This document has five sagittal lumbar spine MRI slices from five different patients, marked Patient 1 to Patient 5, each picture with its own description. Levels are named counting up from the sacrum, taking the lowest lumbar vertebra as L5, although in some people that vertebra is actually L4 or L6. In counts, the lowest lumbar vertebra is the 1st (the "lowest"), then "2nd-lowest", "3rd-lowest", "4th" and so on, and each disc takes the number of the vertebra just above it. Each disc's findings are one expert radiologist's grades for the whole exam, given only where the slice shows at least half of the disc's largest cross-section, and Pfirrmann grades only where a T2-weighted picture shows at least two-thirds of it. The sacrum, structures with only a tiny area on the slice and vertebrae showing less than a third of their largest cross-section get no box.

Patient 1 of 5:
Sex F. MRI lumbar spine (T1-weighted), sagittal plane. Image 1092x1117.
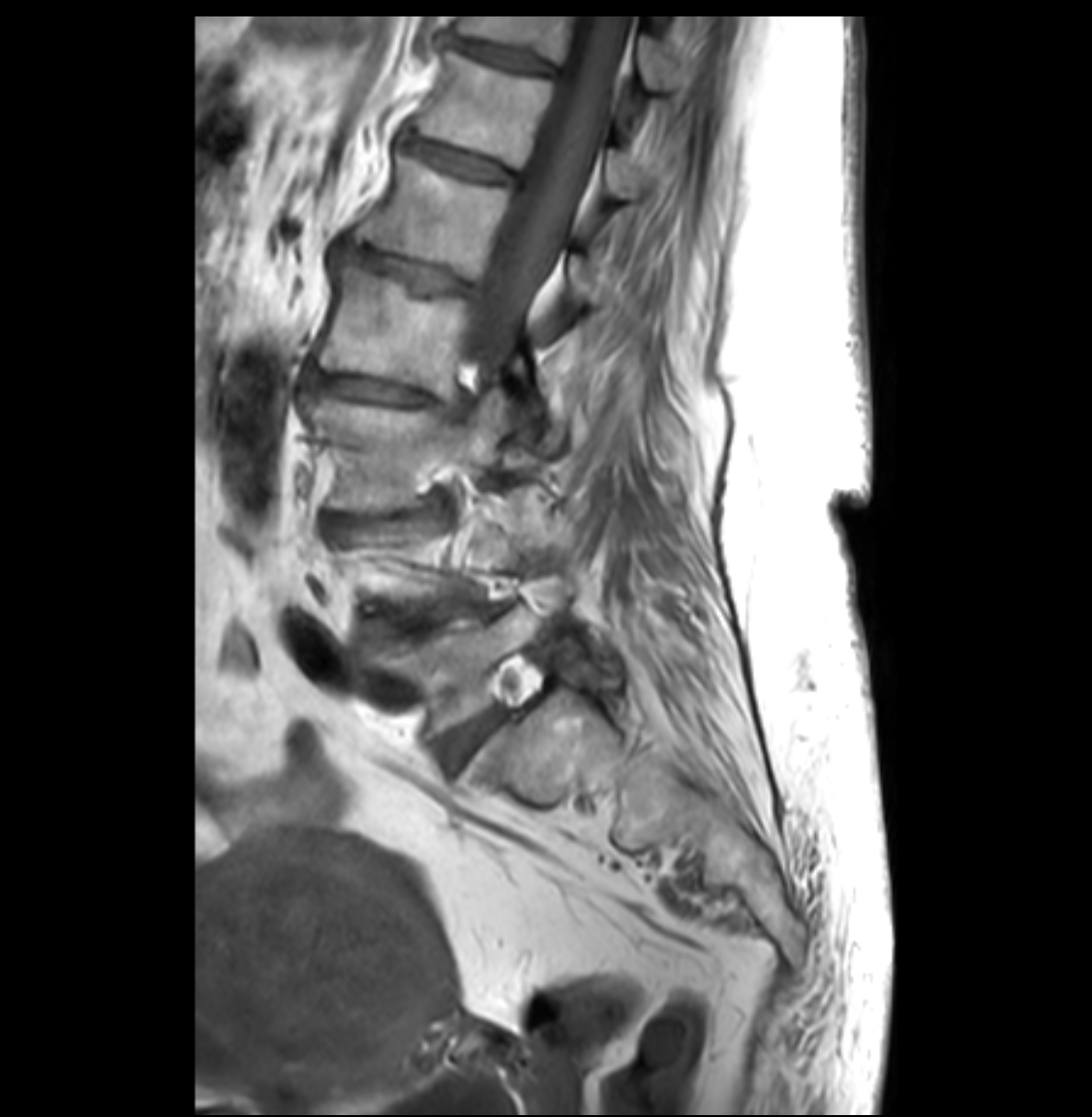

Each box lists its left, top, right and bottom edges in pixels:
T11/T12 at left=453, top=40, right=553, bottom=73; T12/L1 at left=403, top=136, right=513, bottom=182; IVD L2/L3 at left=307, top=375, right=447, bottom=408; IVD L4/L5 at left=382, top=600, right=465, bottom=635; IVD L3/L4 at left=329, top=501, right=445, bottom=528; L2 at left=317, top=265, right=523, bottom=398; T12 at left=412, top=49, right=638, bottom=198; L5 at left=382, top=602, right=543, bottom=735; L3 vertebra at left=305, top=391, right=513, bottom=510; thecal sac / spinal canal at left=473, top=16, right=628, bottom=360; L1 at left=353, top=155, right=596, bottom=304; L1/L2 at left=344, top=246, right=477, bottom=294; T11 vertebra at left=458, top=15, right=680, bottom=91; L5/S1 at left=441, top=713, right=501, bottom=766.

Per-level radiological findings:
- T12/L1: disc narrowing, disc bulging
- L2/L3: lower-endplate change, disc bulging, disc narrowing, upper-endplate change
- T11/T12: disc narrowing
- L1/L2: upper-endplate change, disc bulging, lower-endplate change, disc narrowing

Patient 2 of 5:
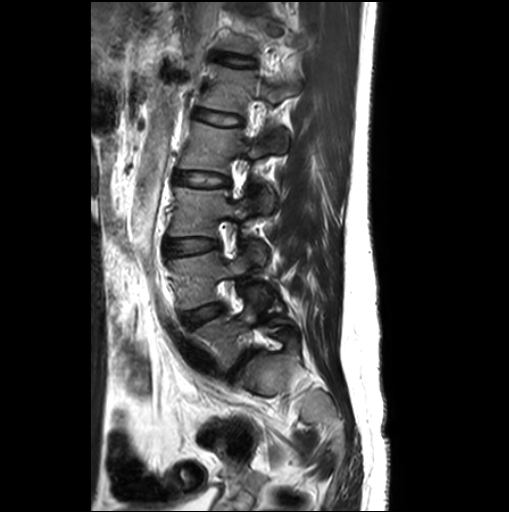 Image 509x512 | Lumbar spine MR, T2-weighted, sagittal | Slice 18/26

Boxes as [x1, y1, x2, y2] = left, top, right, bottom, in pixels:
IVD L3/L4: [163, 238, 218, 259]
IVD L2/L3: [174, 171, 229, 186]
L5/S1: [226, 350, 251, 381]
T12 vertebra: [222, 16, 292, 55]
L4 vertebra: [168, 243, 266, 309]
IVD T12/L1: [215, 53, 255, 66]
L1/L2: [194, 109, 241, 125]
L5 vertebra: [192, 287, 297, 370]
L4/L5: [181, 303, 223, 327]
L2: [179, 122, 274, 212]
L1: [200, 64, 298, 153]
L3: [168, 187, 248, 236]

Expert MSK radiologist gradings (per disc):
• L2/L3: Pfirrmann grade 1
• T12/L1: Pfirrmann grade 1
• L4/L5: disc bulging
• L3/L4: Pfirrmann grade 1, disc bulging
• L1/L2: Pfirrmann grade 1

Patient 3 of 5:
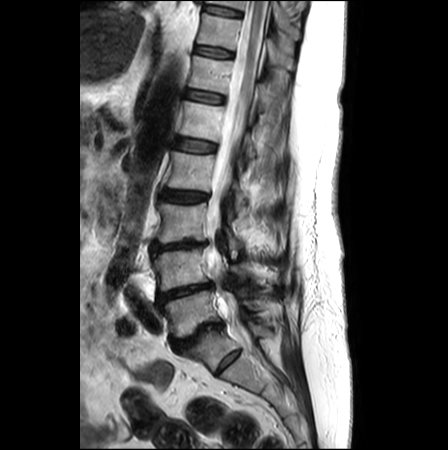

448x450 px | Sagittal slice index 14 | Sagittal T2-weighted lumbar spine MRI | Field of view 280x281 mm

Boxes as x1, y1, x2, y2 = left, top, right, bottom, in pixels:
Structures:
* 7th vertebra: 197, 12, 294, 69
* 2nd-lowest disc: 157, 281, 212, 304
* 2nd-lowest vertebra: 152, 248, 258, 291
* 3rd-lowest vertebra: 158, 203, 243, 257
* 5th vertebra: 179, 100, 255, 157
* 4th vertebra: 168, 151, 248, 215
* 6th disc: 186, 90, 224, 103
* 8th disc: 204, 4, 240, 15
* lowest vertebra: 161, 290, 282, 336
* lowest disc: 171, 323, 223, 351
* 5th disc: 175, 138, 215, 152
* 4th disc: 161, 190, 207, 202
* 7th disc: 194, 45, 232, 57
* 8th vertebra: 207, 0, 299, 38
* 6th vertebra: 189, 56, 269, 108
* 3rd-lowest disc: 149, 241, 207, 250
* spinal canal: 207, 0, 267, 348

Per-level radiological findings:
- 6th disc: Pfirrmann grade 2
- 3rd-lowest disc: Pfirrmann grade 4, disc bulging, upper-endplate change, disc narrowing, lower-endplate change
- 5th disc: Pfirrmann grade 2
- 2nd-lowest disc: Pfirrmann grade 5, disc narrowing, disc bulging
- 8th disc: Pfirrmann grade 1
- 7th disc: Pfirrmann grade 1
- lowest disc: Pfirrmann grade 5, disc narrowing, upper-endplate change, disc bulging, Modic type II, lower-endplate change
- 4th disc: Pfirrmann grade 3, disc bulging

Patient 4 of 5:
Slice 46/120, Image 512x640, Lumbar spine MR, T2 SPACE (3D), sagittal
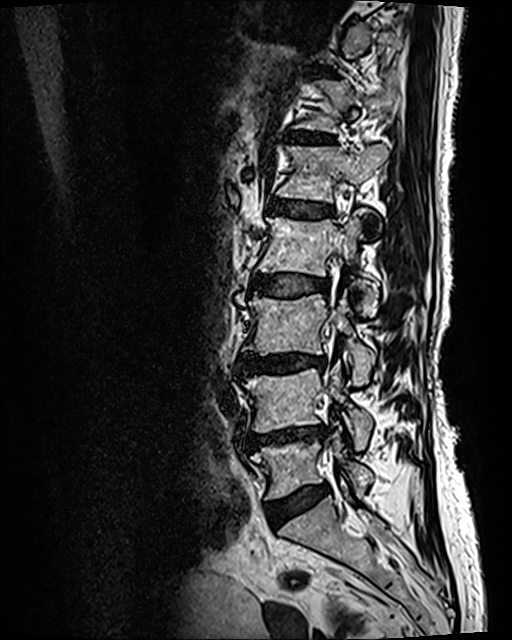 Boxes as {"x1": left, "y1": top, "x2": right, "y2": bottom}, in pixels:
Segmented structures:
- L1/L2 (5th disc): {"x1": 269, "y1": 199, "x2": 331, "y2": 218}
- L2/L3 (4th disc): {"x1": 253, "y1": 274, "x2": 329, "y2": 296}
- IVD L4/L5 (2nd-lowest disc): {"x1": 241, "y1": 424, "x2": 328, "y2": 451}
- L3 (3rd-lowest vertebra): {"x1": 242, "y1": 291, "x2": 375, "y2": 386}
- L1 (5th vertebra): {"x1": 276, "y1": 144, "x2": 389, "y2": 202}
- L3/L4 (3rd-lowest disc): {"x1": 237, "y1": 353, "x2": 326, "y2": 373}
- L2 (4th vertebra): {"x1": 257, "y1": 215, "x2": 378, "y2": 313}
- L5 (lowest vertebra): {"x1": 251, "y1": 427, "x2": 374, "y2": 499}
- IVD T12/L1 (6th disc): {"x1": 288, "y1": 131, "x2": 333, "y2": 143}
- L4 (2nd-lowest vertebra): {"x1": 241, "y1": 361, "x2": 372, "y2": 450}
- IVD L5/S1 (lowest disc): {"x1": 267, "y1": 485, "x2": 328, "y2": 526}
- T12 (6th vertebra): {"x1": 293, "y1": 80, "x2": 396, "y2": 133}

Expert MSK radiologist gradings (per disc):
- L1/L2 (5th disc): Pfirrmann grade 3, Modic type II, upper-endplate change, lower-endplate change
- L5/S1 (lowest disc): Pfirrmann grade 2, disc bulging
- T12/L1 (6th disc): lower-endplate change, upper-endplate change, Modic type II
- L3/L4 (3rd-lowest disc): Pfirrmann grade 4, disc narrowing, Modic type II, disc bulging, lower-endplate change, upper-endplate change
- L2/L3 (4th disc): Pfirrmann grade 3, Modic type II, disc bulging, upper-endplate change, lower-endplate change
- L4/L5 (2nd-lowest disc): Pfirrmann grade 4, lower-endplate change, disc narrowing, disc bulging, upper-endplate change, Modic type II

Patient 5 of 5:
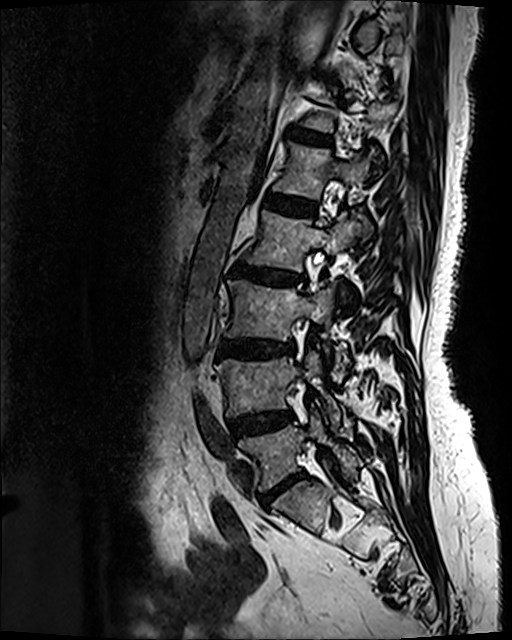
Sex F. T2 SPACE (3D) sagittal MRI of the lumbar spine.
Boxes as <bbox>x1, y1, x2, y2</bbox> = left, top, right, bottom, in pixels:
Segmented structures:
- 4th disc at <bbox>232, 265, 303, 284</bbox>
- 2nd-lowest disc at <bbox>231, 412, 292, 438</bbox>
- 2nd-lowest vertebra at <bbox>215, 349, 341, 427</bbox>
- lowest vertebra at <bbox>239, 416, 358, 490</bbox>
- 4th vertebra at <bbox>247, 211, 366, 272</bbox>
- 3rd-lowest disc at <bbox>220, 340, 293, 355</bbox>
- 3rd-lowest vertebra at <bbox>226, 280, 348, 377</bbox>
- 5th vertebra at <bbox>273, 143, 375, 199</bbox>
- 6th disc at <bbox>294, 130, 329, 142</bbox>
- lowest disc at <bbox>262, 474, 303, 505</bbox>
- 5th disc at <bbox>266, 194, 315, 215</bbox>

Per-level radiological findings:
• 2nd-lowest disc: Pfirrmann grade 3, disc bulging
• 3rd-lowest disc: Pfirrmann grade 4, lower-endplate change, upper-endplate change, disc bulging, Modic type II, disc narrowing
• 4th disc: Pfirrmann grade 4, upper-endplate change, lower-endplate change, disc bulging, Modic type II, disc narrowing
• 5th disc: no herniation, bulging, narrowing, spondylolisthesis, endplate or Modic change recorded